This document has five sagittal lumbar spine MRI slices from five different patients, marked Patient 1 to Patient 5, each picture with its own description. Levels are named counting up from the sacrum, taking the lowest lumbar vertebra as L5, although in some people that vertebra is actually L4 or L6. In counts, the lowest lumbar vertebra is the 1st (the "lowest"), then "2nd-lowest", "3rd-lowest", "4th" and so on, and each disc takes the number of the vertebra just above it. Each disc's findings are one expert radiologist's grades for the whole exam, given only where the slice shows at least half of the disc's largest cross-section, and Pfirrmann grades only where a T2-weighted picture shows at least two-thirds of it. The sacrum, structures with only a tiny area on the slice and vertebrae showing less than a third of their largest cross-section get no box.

Patient 1 of 5:
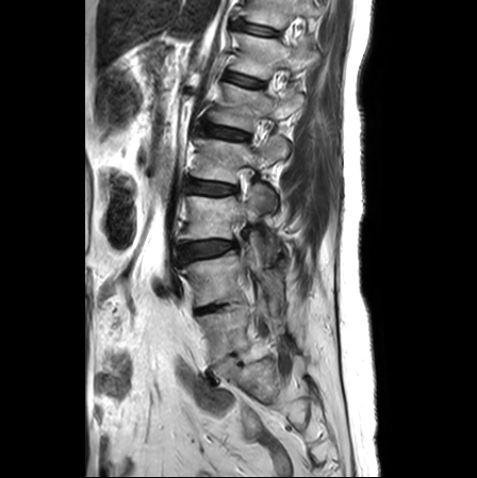

Slice 9 of 25; Lumbar spine MR, T2-weighted, sagittal
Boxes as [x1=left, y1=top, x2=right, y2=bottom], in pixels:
IVD L2/L3 (4th disc) — [x1=186, y1=180, x2=238, y2=194].
L3 (3rd-lowest vertebra) — [x1=179, y1=184, x2=279, y2=264].
T11 (7th vertebra) — [x1=243, y1=0, x2=321, y2=28].
T12/L1 (6th disc) — [x1=226, y1=72, x2=264, y2=87].
T12 (6th vertebra) — [x1=230, y1=33, x2=318, y2=79].
L4 (2nd-lowest vertebra) — [x1=180, y1=231, x2=284, y2=312].
L1 (5th vertebra) — [x1=210, y1=83, x2=304, y2=130].
L5/S1 (lowest disc) — [x1=210, y1=355, x2=242, y2=380].
IVD T11/T12 (7th disc) — [x1=239, y1=21, x2=278, y2=35].
L3/L4 (3rd-lowest disc) — [x1=177, y1=241, x2=235, y2=262].
L2 (4th vertebra) — [x1=192, y1=136, x2=289, y2=209].
L5 (lowest vertebra) — [x1=197, y1=282, x2=269, y2=364].
L1/L2 (5th disc) — [x1=204, y1=123, x2=247, y2=139].
IVD L4/L5 (2nd-lowest disc) — [x1=197, y1=304, x2=225, y2=313].

Degenerative findings by level:
  T11/T12 (7th disc): Pfirrmann grade 1
  L1/L2 (5th disc): Pfirrmann grade 2, lower-endplate change, upper-endplate change
  L3/L4 (3rd-lowest disc): Pfirrmann grade 3, disc bulging, Modic type II, upper-endplate change, lower-endplate change
  T12/L1 (6th disc): Pfirrmann grade 1
  L2/L3 (4th disc): Pfirrmann grade 2, disc bulging, upper-endplate change, lower-endplate change
  L5/S1 (lowest disc): Pfirrmann grade 1
  L4/L5 (2nd-lowest disc): Pfirrmann grade 3, disc narrowing

Patient 2 of 5:
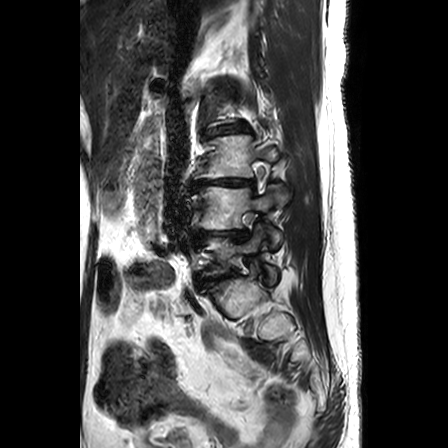

Slice 5 of 24 | Sex F | Sagittal T2-weighted lumbar spine MRI
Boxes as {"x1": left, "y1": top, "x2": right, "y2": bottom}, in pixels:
{"L5 (lowest vertebra)": {"x1": 205, "y1": 224, "x2": 278, "y2": 284}, "intervertebral disc L4/L5 (2nd-lowest disc)": {"x1": 196, "y1": 230, "x2": 246, "y2": 245}, "L3 (3rd-lowest vertebra)": {"x1": 195, "y1": 135, "x2": 276, "y2": 178}, "intervertebral disc L3/L4 (3rd-lowest disc)": {"x1": 194, "y1": 178, "x2": 252, "y2": 191}, "L2/L3 (4th disc)": {"x1": 202, "y1": 120, "x2": 250, "y2": 137}, "L4 (2nd-lowest vertebra)": {"x1": 199, "y1": 184, "x2": 288, "y2": 249}}

Per-level radiological findings:
- L3/L4 (3rd-lowest disc): Pfirrmann grade 5, disc narrowing, Modic type II, lower-endplate change, upper-endplate change, disc bulging
- L4/L5 (2nd-lowest disc): Pfirrmann grade 5, disc narrowing, upper-endplate change, Modic type II, disc bulging, lower-endplate change
- L2/L3 (4th disc): Pfirrmann grade 3, upper-endplate change, lower-endplate change, disc bulging, disc narrowing

Patient 3 of 5:
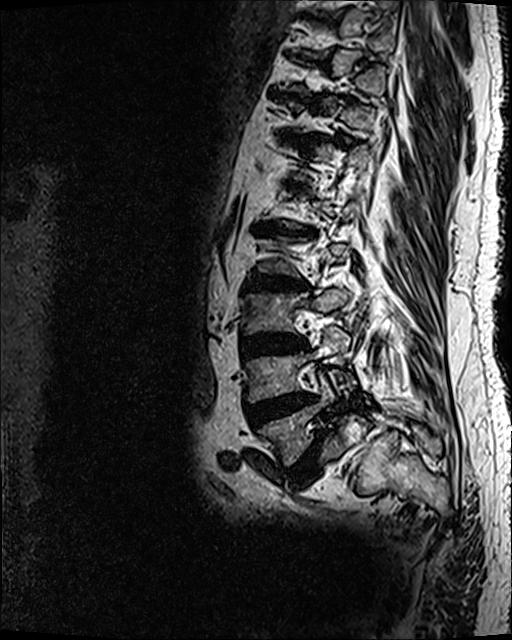
Sagittal T2 SPACE (3D) lumbar spine MRI; Sex M
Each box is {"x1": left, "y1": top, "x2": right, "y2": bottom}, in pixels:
Annotations:
- L3 vertebra: {"x1": 243, "y1": 288, "x2": 347, "y2": 334}
- disc T10/T11: {"x1": 268, "y1": 88, "x2": 320, "y2": 106}
- disc L4/L5: {"x1": 245, "y1": 392, "x2": 317, "y2": 426}
- disc T12/L1: {"x1": 286, "y1": 179, "x2": 303, "y2": 186}
- L5/S1: {"x1": 289, "y1": 429, "x2": 324, "y2": 486}
- L1/L2: {"x1": 249, "y1": 221, "x2": 317, "y2": 237}
- L4 vertebra: {"x1": 243, "y1": 326, "x2": 350, "y2": 403}
- T11/T12: {"x1": 278, "y1": 133, "x2": 320, "y2": 146}
- L3/L4: {"x1": 242, "y1": 332, "x2": 307, "y2": 357}
- L5 vertebra: {"x1": 254, "y1": 372, "x2": 336, "y2": 466}
- disc L2/L3: {"x1": 245, "y1": 271, "x2": 308, "y2": 291}

Per-level radiological findings:
  L3/L4: Pfirrmann grade 5, Modic type II, disc bulging, disc narrowing, upper-endplate change, lower-endplate change
  L1/L2: Modic type II, lower-endplate change, disc bulging, disc narrowing, upper-endplate change
  L4/L5: Pfirrmann grade 5, disc bulging, upper-endplate change, lower-endplate change, Modic type II, disc narrowing
  L2/L3: Modic type II, upper-endplate change, disc narrowing, lower-endplate change, disc bulging
  L5/S1: Pfirrmann grade 5, disc bulging, Modic type II, upper-endplate change, spondylolisthesis, disc narrowing, lower-endplate change

Patient 4 of 5:
Scanner: Philips Healthcare Ingenia (3T), 509x512 px, MRI lumbar spine (T1-weighted), sagittal plane 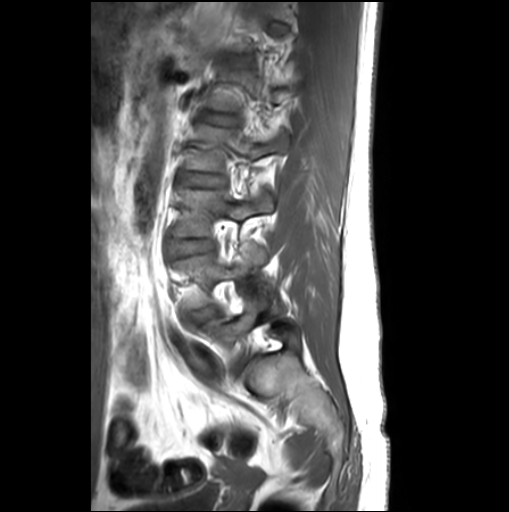 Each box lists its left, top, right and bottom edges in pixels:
2nd-lowest vertebra: left=176, top=248, right=266, bottom=308.
5th disc: left=201, top=113, right=237, bottom=127.
3rd-lowest disc: left=168, top=239, right=212, bottom=257.
4th disc: left=176, top=172, right=225, bottom=187.
Lowest disc: left=233, top=357, right=247, bottom=373.
Lowest vertebra: left=200, top=299, right=297, bottom=366.
4th vertebra: left=185, top=125, right=288, bottom=171.
3rd-lowest vertebra: left=173, top=190, right=273, bottom=236.
2nd-lowest disc: left=188, top=306, right=217, bottom=325.

Per-level radiological findings:
• 3rd-lowest disc: disc bulging
• 4th disc, 5th disc: no spondylolisthesis, narrowing, bulging, herniation, Modic or endplate change recorded

Patient 5 of 5:
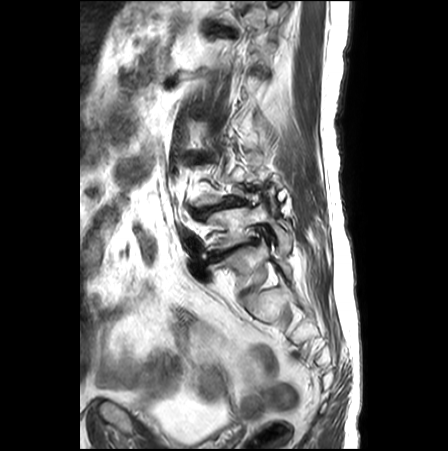 Lumbar spine MR, T2-weighted, sagittal. 448x451 px. Sex F.
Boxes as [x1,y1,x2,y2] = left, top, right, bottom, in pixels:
2nd-lowest disc — [193,193,243,218].
6th disc — [212,26,236,37].
Lowest disc — [206,237,259,262].
Lowest vertebra — [203,202,291,249].

Expert MSK radiologist gradings (per disc):
- 2nd-lowest disc: Pfirrmann grade 5, upper-endplate change, lower-endplate change, disc bulging, Modic type II, disc herniation, disc narrowing, spondylolisthesis
- lowest disc: Pfirrmann grade 5, disc herniation, disc narrowing, upper-endplate change, Modic type II, lower-endplate change, disc bulging